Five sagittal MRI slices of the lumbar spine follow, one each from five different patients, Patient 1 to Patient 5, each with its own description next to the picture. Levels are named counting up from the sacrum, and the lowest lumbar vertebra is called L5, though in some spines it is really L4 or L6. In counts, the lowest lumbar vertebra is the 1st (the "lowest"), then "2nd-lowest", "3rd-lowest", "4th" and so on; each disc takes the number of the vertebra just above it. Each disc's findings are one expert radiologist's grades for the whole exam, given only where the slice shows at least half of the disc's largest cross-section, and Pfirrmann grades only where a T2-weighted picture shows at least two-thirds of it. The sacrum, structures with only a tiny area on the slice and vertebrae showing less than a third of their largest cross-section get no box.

Patient 1 of 5:
MRI lumbar spine (T2-weighted), sagittal plane; Field of view 280x280 mm, slice spacing 4.8 mm; Sex F
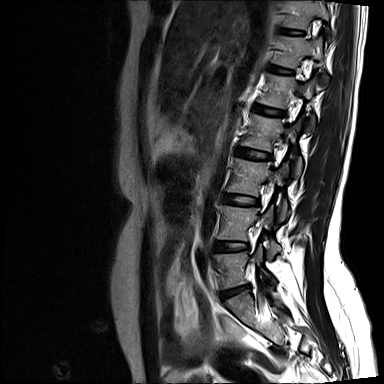
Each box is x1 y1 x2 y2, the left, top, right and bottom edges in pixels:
T12/L1 at 273 67 290 73, L1 vertebra at 258 74 316 135, intervertebral disc L2/L3 at 236 147 269 159, L4 vertebra at 216 205 281 256, L1/L2 at 253 104 283 116, L2 vertebra at 243 115 301 175, L3 at 228 158 288 222, T11 vertebra at 289 0 331 42, T12 at 276 37 328 93, intervertebral disc L5/S1 at 222 285 248 296, L4/L5 at 212 241 246 250, L3/L4 at 223 194 256 204, L5 at 216 243 276 286.

Per-level radiological findings:
  L4/L5: Pfirrmann grade 3, disc narrowing
  L5/S1: disc bulging, disc herniation, Modic type II, disc narrowing
  L3/L4: Pfirrmann grade 2
  L2/L3: Pfirrmann grade 2
  L1/L2: Pfirrmann grade 2

Patient 2 of 5:
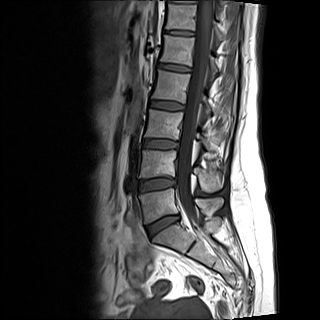 Sagittal slice index 6, Lumbar spine MR, T1-weighted, sagittal

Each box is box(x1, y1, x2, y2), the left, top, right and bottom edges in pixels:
2nd-lowest disc at box(139, 179, 175, 191); 5th disc at box(158, 63, 190, 71); 4th vertebra at box(151, 70, 213, 113); lowest disc at box(147, 216, 178, 236); spinal canal at box(177, 0, 212, 219); 5th vertebra at box(156, 35, 218, 76); 3rd-lowest disc at box(144, 140, 179, 148); 2nd-lowest vertebra at box(139, 150, 223, 192); lowest vertebra at box(139, 188, 223, 223); 3rd-lowest vertebra at box(145, 109, 218, 158); 6th vertebra at box(165, 4, 239, 41); 6th disc at box(164, 30, 194, 35); 4th disc at box(150, 101, 183, 110).

Per-level radiological findings:
• lowest disc: disc bulging
• 2nd-lowest disc: disc bulging, Modic type II
• 3rd-lowest disc, 6th disc, 5th disc, 4th disc: no herniation, bulging, narrowing, spondylolisthesis, endplate or Modic change recorded

Patient 3 of 5:
Slice spacing 3.3 mm. T2-weighted sagittal MRI of the lumbar spine. Patient sex: M. 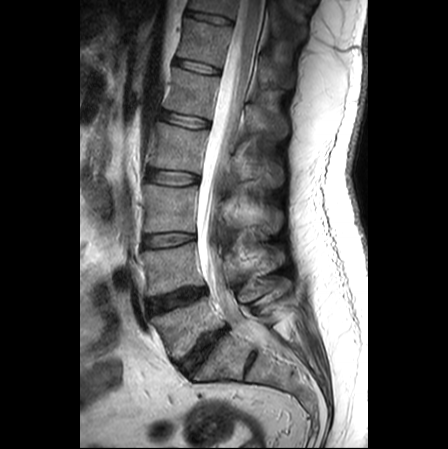 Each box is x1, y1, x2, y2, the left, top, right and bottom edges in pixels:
T11 vertebra: 190, 0, 281, 31.
L1: 165, 68, 287, 137.
L5: 151, 280, 290, 359.
IVD L2/L3: 148, 170, 198, 184.
T12 vertebra: 178, 18, 293, 87.
IVD L4/L5: 149, 288, 205, 313.
L4 vertebra: 143, 242, 284, 295.
IVD T11/T12: 187, 11, 231, 23.
IVD L5/S1: 177, 327, 227, 373.
T12/L1: 175, 59, 219, 73.
L3/L4: 144, 233, 193, 246.
L2 vertebra: 150, 122, 282, 186.
Thecal sac / spinal canal: 197, 0, 280, 351.
L3: 144, 185, 282, 234.
L1/L2: 160, 111, 208, 127.

Radiological gradings:
  L5/S1: Pfirrmann grade 5, Modic type II, disc narrowing, disc bulging
  T11/T12: Pfirrmann grade 1
  L1/L2: Pfirrmann grade 1
  L3/L4: Pfirrmann grade 1
  L4/L5: Pfirrmann grade 4, disc bulging, Modic type II
  L2/L3: Pfirrmann grade 1
  T12/L1: Pfirrmann grade 1

Patient 4 of 5:
MRI lumbar spine (T2 SPACE (3D)), sagittal plane. 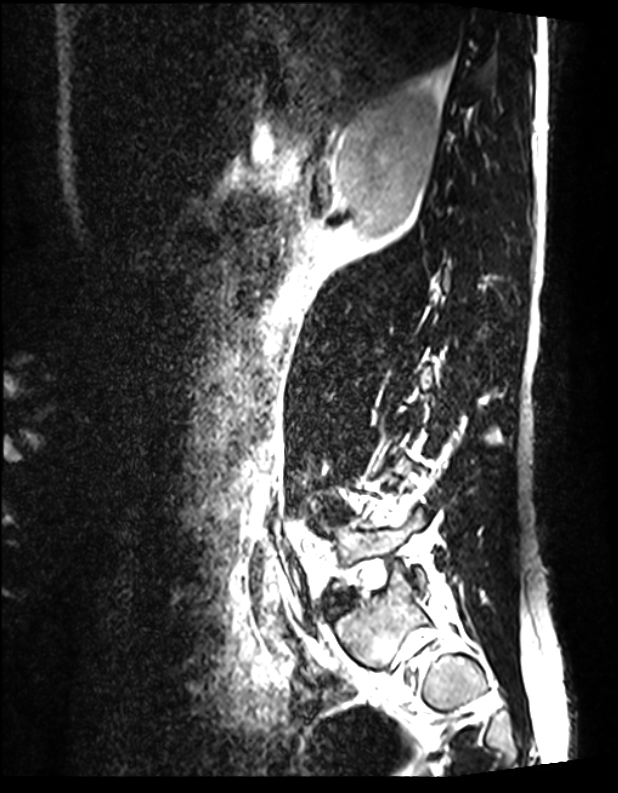 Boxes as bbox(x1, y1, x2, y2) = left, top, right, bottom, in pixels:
{"L5/S1": "bbox(328, 591, 353, 615)", "L5 vertebra": "bbox(323, 507, 425, 589)"}

Patient 5 of 5:
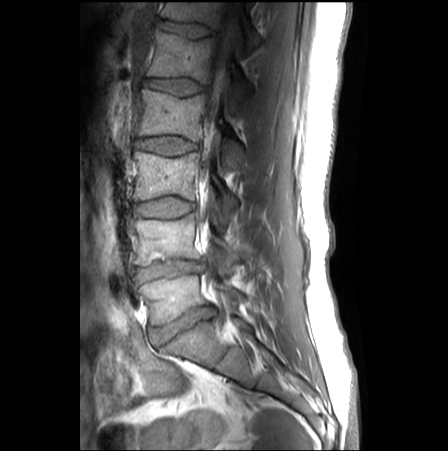 Lumbar spine MR, T1-weighted, sagittal. Slice 11/27. Slice spacing 3.3 mm.
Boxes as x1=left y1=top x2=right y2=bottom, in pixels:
Intervertebral disc L3/L4 (3rd-lowest disc) at x1=136 y1=198 x2=193 y2=217.
L1 (5th vertebra) at x1=146 y1=31 x2=250 y2=111.
L2 (4th vertebra) at x1=137 y1=89 x2=243 y2=167.
Intervertebral disc T12/L1 (6th disc) at x1=161 y1=21 x2=210 y2=38.
L2/L3 (4th disc) at x1=135 y1=136 x2=195 y2=154.
L4 (2nd-lowest vertebra) at x1=135 y1=214 x2=239 y2=271.
L3 (3rd-lowest vertebra) at x1=133 y1=151 x2=237 y2=222.
L1/L2 (5th disc) at x1=144 y1=78 x2=202 y2=95.
L5 (lowest vertebra) at x1=139 y1=274 x2=241 y2=325.
L5/S1 (lowest disc) at x1=152 y1=306 x2=213 y2=343.
Intervertebral disc L4/L5 (2nd-lowest disc) at x1=137 y1=260 x2=203 y2=280.
T12 (6th vertebra) at x1=161 y1=2 x2=261 y2=52.
Thecal sac / spinal canal at x1=198 y1=2 x2=240 y2=287.

Expert MSK radiologist gradings (per disc):
  L4/L5 (2nd-lowest disc): disc narrowing, disc bulging
  L5/S1 (lowest disc): disc narrowing, disc bulging
  T12/L1 (6th disc): lower-endplate change
  L3/L4 (3rd-lowest disc), L2/L3 (4th disc), L1/L2 (5th disc): no Modic or endplate change, herniation, narrowing, bulging or spondylolisthesis recorded